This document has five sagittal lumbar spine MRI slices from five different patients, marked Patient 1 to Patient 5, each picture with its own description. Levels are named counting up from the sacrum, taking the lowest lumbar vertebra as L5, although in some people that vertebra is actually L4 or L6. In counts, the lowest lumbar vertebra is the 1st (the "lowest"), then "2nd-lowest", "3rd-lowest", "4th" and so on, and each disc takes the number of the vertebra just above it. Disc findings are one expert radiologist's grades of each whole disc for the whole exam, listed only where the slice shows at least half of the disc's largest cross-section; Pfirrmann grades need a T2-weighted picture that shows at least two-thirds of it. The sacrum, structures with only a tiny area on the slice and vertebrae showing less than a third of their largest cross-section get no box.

Patient 1 of 5:
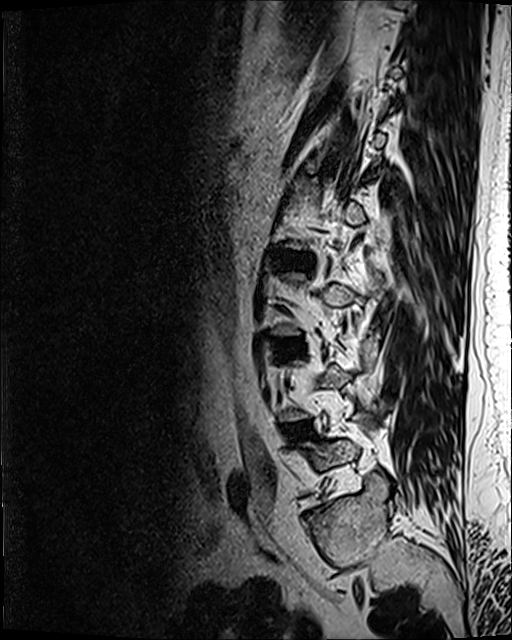 512x640 px; Sagittal slice index 91; Sagittal T2 SPACE (3D) lumbar spine MRI
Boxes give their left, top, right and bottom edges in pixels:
{"L3/L4 (3rd-lowest disc)": "left=281, top=340, right=299, bottom=345", "disc L4/L5 (2nd-lowest disc)": "left=286, top=426, right=302, bottom=436", "disc L2/L3 (4th disc)": "left=276, top=252, right=312, bottom=268"}

Patient 2 of 5:
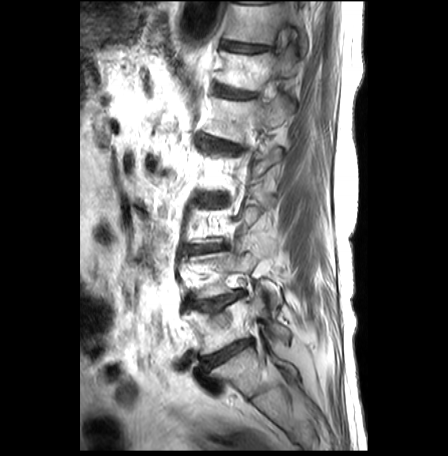

Lumbar spine MR, T2-weighted, sagittal | Slice 23/30 | Slice spacing 3.2 mm

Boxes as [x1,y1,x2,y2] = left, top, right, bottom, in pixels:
L3/L4: [189,245,222,252] | T11: [225,3,307,55] | T11/T12: [221,41,272,52] | L5/S1: [201,340,251,369] | T12 vertebra: [217,45,298,90] | IVD L1/L2: [198,133,239,151] | IVD L2/L3: [203,195,228,203] | L4 vertebra: [183,252,282,311] | IVD T12/L1: [216,86,255,98] | L1 vertebra: [207,97,293,142] | L4/L5: [186,290,244,314] | L5: [184,287,289,354]

Degenerative findings by level:
  T12/L1: lower-endplate change, upper-endplate change, disc bulging, Modic type II
  L5/S1: Pfirrmann grade 5, disc bulging, disc narrowing, Modic type II
  L4/L5: lower-endplate change, disc bulging, upper-endplate change, Modic type II
  T11/T12: lower-endplate change, upper-endplate change, Modic type II
  L1/L2: Pfirrmann grade 3, upper-endplate change, disc bulging, Modic type II, lower-endplate change

Patient 3 of 5:
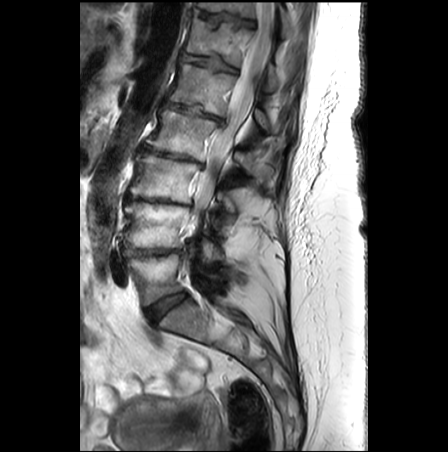 MRI lumbar spine (T2-weighted), sagittal plane
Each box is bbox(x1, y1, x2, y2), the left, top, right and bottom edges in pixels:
Structures:
• thecal sac / spinal canal: bbox(193, 1, 276, 226)
• L3 vertebra: bbox(128, 154, 235, 213)
• disc L5/S1: bbox(145, 293, 187, 321)
• T12 vertebra: bbox(184, 17, 276, 89)
• T11/T12: bbox(193, 9, 255, 27)
• disc L4/L5: bbox(122, 247, 179, 258)
• L1: bbox(170, 63, 268, 130)
• L2 vertebra: bbox(146, 108, 270, 180)
• T12/L1: bbox(182, 53, 238, 71)
• L4 vertebra: bbox(123, 203, 219, 259)
• disc L3/L4: bbox(124, 197, 189, 206)
• disc L2/L3: bbox(141, 146, 200, 163)
• T11 vertebra: bbox(197, 2, 292, 37)
• L5: bbox(128, 252, 224, 305)
• disc L1/L2: bbox(165, 101, 223, 124)

Per-level radiological findings:
  L1/L2: Pfirrmann grade 5, lower-endplate change, upper-endplate change, spondylolisthesis, disc narrowing, disc bulging, Modic type II
  L2/L3: disc narrowing, disc bulging, Modic type II, lower-endplate change, upper-endplate change
  L4/L5: disc narrowing, disc bulging, upper-endplate change, lower-endplate change, Modic type II
  L3/L4: Pfirrmann grade 5, Modic type II, disc bulging, disc narrowing, upper-endplate change, lower-endplate change
  T11/T12: Pfirrmann grade 3, upper-endplate change, lower-endplate change
  T12/L1: Pfirrmann grade 3, lower-endplate change, Modic type II, upper-endplate change
  L5/S1: no herniation, bulging, narrowing, spondylolisthesis, endplate or Modic change recorded

Patient 4 of 5:
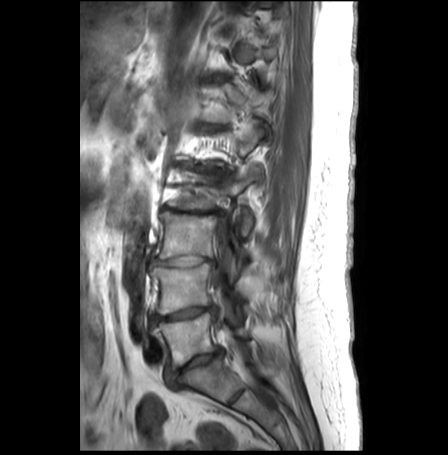

Slice 19/30, 448x455 px, T1-weighted sagittal MRI of the lumbar spine
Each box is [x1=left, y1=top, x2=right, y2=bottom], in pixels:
6th vertebra at [x1=199, y1=82, x2=271, y2=139], lowest vertebra at [x1=152, y1=312, x2=250, y2=368], lowest disc at [x1=166, y1=350, x2=222, y2=386], 5th disc at [x1=177, y1=161, x2=230, y2=175], 6th disc at [x1=202, y1=124, x2=223, y2=127], thecal sac / spinal canal at [x1=211, y1=222, x2=256, y2=382], 2nd-lowest vertebra at [x1=150, y1=263, x2=247, y2=314], 2nd-lowest disc at [x1=149, y1=305, x2=215, y2=325], 3rd-lowest vertebra at [x1=152, y1=210, x2=249, y2=267], 3rd-lowest disc at [x1=149, y1=256, x2=214, y2=267], 4th vertebra at [x1=167, y1=164, x2=256, y2=234], 4th disc at [x1=161, y1=205, x2=224, y2=214].

Radiological gradings:
  3rd-lowest disc: disc bulging, Modic type II, disc narrowing, lower-endplate change, upper-endplate change
  lowest disc: Modic type II, disc bulging, upper-endplate change, disc narrowing, lower-endplate change
  5th disc: disc narrowing, Modic type II, lower-endplate change, upper-endplate change, disc bulging
  2nd-lowest disc: disc herniation, disc narrowing, lower-endplate change, disc bulging, Modic type II, upper-endplate change

Patient 5 of 5:
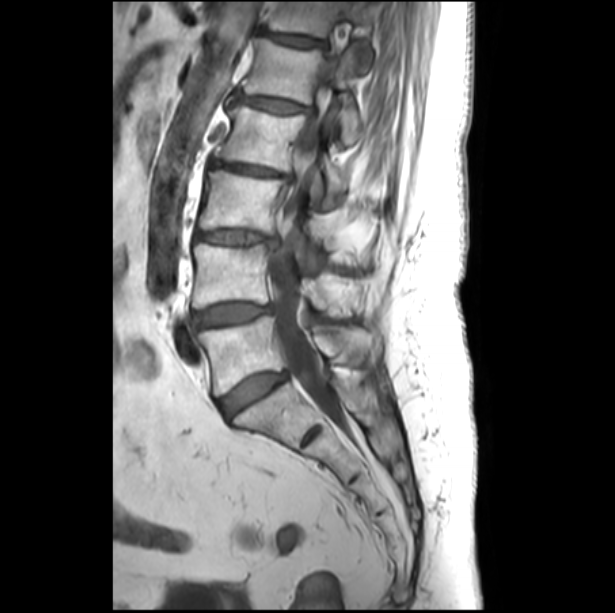 T1-weighted sagittal MRI of the lumbar spine
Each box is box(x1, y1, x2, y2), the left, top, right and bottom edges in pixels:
Intervertebral disc L1/L2: box(237, 94, 307, 113).
L5/S1: box(218, 371, 286, 417).
Intervertebral disc L4/L5: box(192, 302, 271, 327).
L4: box(192, 244, 352, 316).
L1 vertebra: box(242, 38, 361, 144).
L3: box(198, 170, 363, 263).
Intervertebral disc L2/L3: box(210, 159, 292, 179).
L2 vertebra: box(214, 104, 348, 208).
L3/L4: box(195, 229, 277, 248).
L5 vertebra: box(198, 316, 370, 395).
Thecal sac / spinal canal: box(268, 60, 334, 408).
Intervertebral disc T12/L1: box(263, 32, 324, 46).
T12 vertebra: box(266, 2, 373, 71).

Expert MSK radiologist gradings (per disc):
• L2/L3: disc narrowing, upper-endplate change, Modic type II, disc bulging, lower-endplate change
• L1/L2: upper-endplate change, Modic type II, lower-endplate change, disc bulging
• L3/L4: upper-endplate change, Modic type II, lower-endplate change, disc bulging, disc narrowing
• T12/L1: upper-endplate change, Modic type II, lower-endplate change, disc bulging
• L4/L5: disc bulging
• L5/S1: disc bulging